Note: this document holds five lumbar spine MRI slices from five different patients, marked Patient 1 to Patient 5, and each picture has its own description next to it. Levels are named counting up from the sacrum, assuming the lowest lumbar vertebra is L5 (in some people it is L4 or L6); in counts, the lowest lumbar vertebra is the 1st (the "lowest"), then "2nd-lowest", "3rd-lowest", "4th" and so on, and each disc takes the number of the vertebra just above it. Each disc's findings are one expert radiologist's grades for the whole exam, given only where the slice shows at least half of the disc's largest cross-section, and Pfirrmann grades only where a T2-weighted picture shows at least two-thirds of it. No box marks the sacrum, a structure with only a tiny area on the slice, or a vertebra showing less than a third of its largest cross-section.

Patient 1 of 5:
Lumbar spine MR, T1-weighted, sagittal. Patient sex: M. Image 594x600. Slice 11/28.
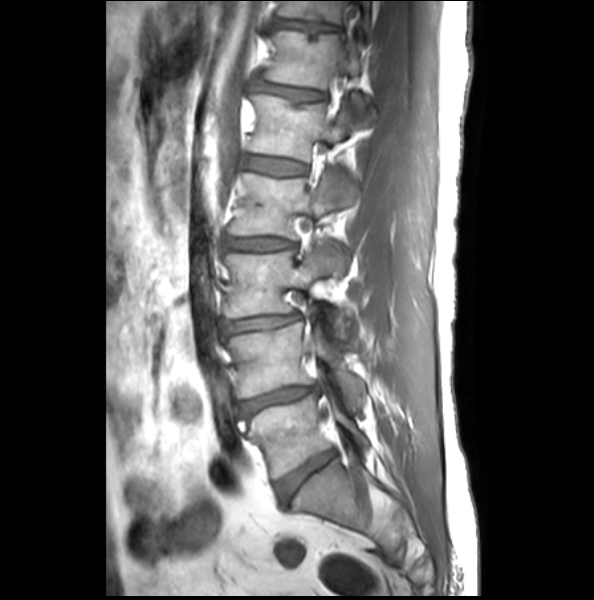
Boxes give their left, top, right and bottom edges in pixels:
7th vertebra at left=280, top=2, right=372, bottom=32; 2nd-lowest vertebra at left=228, top=324, right=366, bottom=406; 6th vertebra at left=264, top=31, right=376, bottom=125; lowest vertebra at left=240, top=384, right=369, bottom=478; 5th disc at left=245, top=157, right=305, bottom=175; 5th vertebra at left=251, top=96, right=353, bottom=160; 3rd-lowest disc at left=221, top=314, right=300, bottom=333; 2nd-lowest disc at left=237, top=385, right=319, bottom=416; 4th disc at left=224, top=237, right=296, bottom=251; lowest disc at left=276, top=450, right=337, bottom=501; 7th disc at left=276, top=20, right=337, bottom=38; 6th disc at left=256, top=82, right=324, bottom=100; 3rd-lowest vertebra at left=227, top=248, right=349, bottom=340; 4th vertebra at left=228, top=174, right=358, bottom=269.

Expert MSK radiologist gradings (per disc):
  6th disc: upper-endplate change, disc bulging
  7th disc: disc bulging, lower-endplate change, upper-endplate change
  4th disc: disc narrowing, disc bulging
  5th disc: upper-endplate change
  3rd-lowest disc: disc bulging, disc narrowing
  lowest disc: upper-endplate change, lower-endplate change
  2nd-lowest disc: disc narrowing, disc bulging, lower-endplate change

Patient 2 of 5:
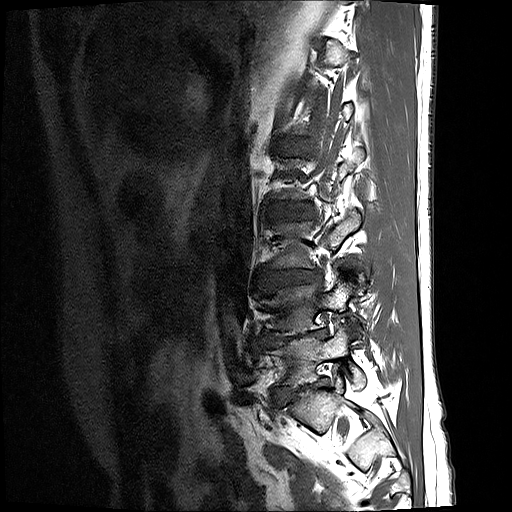 Patient sex: M; Image 512x512; T1-weighted sagittal MRI of the lumbar spine

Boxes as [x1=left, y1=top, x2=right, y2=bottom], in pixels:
Intervertebral disc L4/L5 (2nd-lowest disc) at [x1=261, y1=331, x2=325, y2=348], intervertebral disc L2/L3 (4th disc) at [x1=272, y1=204, x2=313, y2=219], L5 (lowest vertebra) at [x1=265, y1=323, x2=365, y2=389], L3 (3rd-lowest vertebra) at [x1=272, y1=211, x2=361, y2=268], intervertebral disc L3/L4 (3rd-lowest disc) at [x1=259, y1=269, x2=319, y2=288], L5/S1 (lowest disc) at [x1=273, y1=382, x2=327, y2=406], L4 (2nd-lowest vertebra) at [x1=263, y1=281, x2=356, y2=334].

Degenerative findings by level:
- L5/S1 (lowest disc): lower-endplate change, disc narrowing, disc bulging, spondylolisthesis
- L4/L5 (2nd-lowest disc): lower-endplate change, disc narrowing, Modic type II, disc bulging
- L3/L4 (3rd-lowest disc): disc bulging, disc narrowing
- L2/L3 (4th disc): no spondylolisthesis, narrowing, bulging, herniation, Modic or endplate change recorded

Patient 3 of 5:
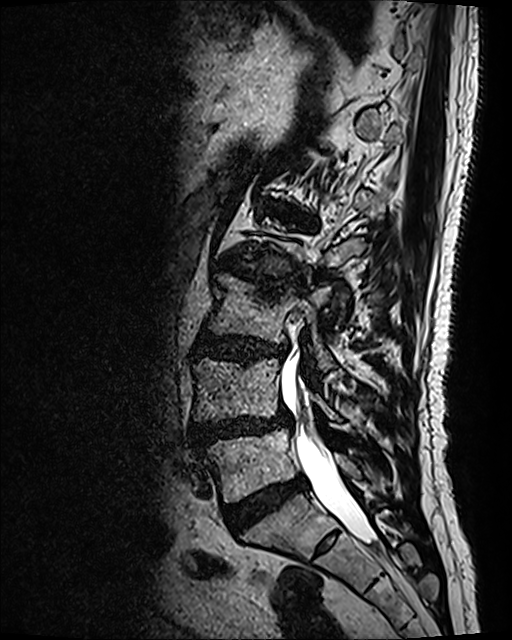 512x640 px; T2 SPACE (3D) sagittal MRI of the lumbar spine; Slice 56 of 120
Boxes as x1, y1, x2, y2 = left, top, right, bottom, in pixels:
L3: 209, 274, 335, 370
thecal sac / spinal canal: 280, 339, 374, 543
L4/L5: 191, 411, 290, 447
L5 vertebra: 200, 428, 361, 501
L2/L3: 219, 260, 301, 286
disc L1/L2: 262, 201, 313, 224
L4 vertebra: 192, 357, 340, 422
disc L3/L4: 194, 333, 286, 361
disc L5/S1: 224, 476, 307, 526

Radiological gradings:
  L5/S1: Pfirrmann grade 4
  L4/L5: Pfirrmann grade 4, disc herniation, disc bulging, lower-endplate change, Modic type II, spondylolisthesis, upper-endplate change, disc narrowing
  L3/L4: Pfirrmann grade 4, lower-endplate change, upper-endplate change, disc bulging
  L1/L2: disc bulging, Modic type II, upper-endplate change, lower-endplate change

Patient 4 of 5:
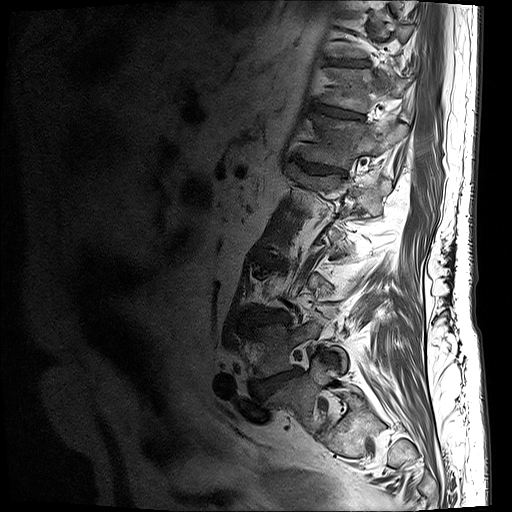 Sex M. T1-weighted sagittal MRI of the lumbar spine. Slice 18/19. Field of view 300x300 mm, slice spacing 3.3 mm.
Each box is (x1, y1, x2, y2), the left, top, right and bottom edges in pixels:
Segmented structures:
- L3/L4 — (257, 314, 288, 324)
- T11 — (319, 67, 407, 112)
- IVD T10/T11 — (326, 58, 368, 66)
- T12 — (300, 113, 407, 168)
- IVD T11/T12 — (314, 105, 363, 118)
- L4 vertebra — (254, 304, 347, 379)
- L5 vertebra — (266, 357, 358, 432)
- IVD L4/L5 — (252, 369, 300, 399)
- IVD T12/L1 — (292, 156, 345, 175)
- L1 — (286, 163, 391, 203)

Radiological gradings:
- L4/L5: Modic type II, disc herniation, lower-endplate change, disc narrowing, disc bulging, upper-endplate change
- T12/L1: upper-endplate change, disc bulging, disc narrowing, lower-endplate change

Patient 5 of 5:
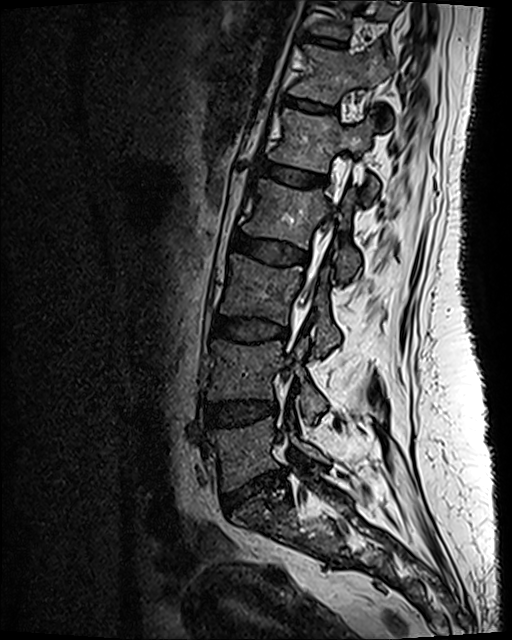
Image 512x640 | Patient sex: F | Lumbar spine MR, T2 SPACE (3D), sagittal

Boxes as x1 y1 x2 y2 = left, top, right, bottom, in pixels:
IVD L4/L5: 207 402 276 425.
IVD L5/S1: 223 472 284 506.
L3: 221 255 340 355.
Thecal sac / spinal canal: 307 225 331 280.
L3/L4: 212 317 287 340.
T11/T12: 310 36 346 48.
L1 vertebra: 270 110 379 196.
L2/L3: 231 233 305 264.
L2: 243 180 360 279.
T12/L1: 285 97 335 113.
L4: 208 340 325 423.
T12: 290 46 395 103.
IVD L1/L2: 257 161 326 186.
L5 vertebra: 208 419 328 489.

Expert MSK radiologist gradings (per disc):
• L5/S1: disc narrowing, lower-endplate change, upper-endplate change, disc herniation
• L2/L3: Pfirrmann grade 3, disc bulging
• L1/L2: Pfirrmann grade 2
• L4/L5: Pfirrmann grade 3, disc bulging
• L3/L4: Pfirrmann grade 3